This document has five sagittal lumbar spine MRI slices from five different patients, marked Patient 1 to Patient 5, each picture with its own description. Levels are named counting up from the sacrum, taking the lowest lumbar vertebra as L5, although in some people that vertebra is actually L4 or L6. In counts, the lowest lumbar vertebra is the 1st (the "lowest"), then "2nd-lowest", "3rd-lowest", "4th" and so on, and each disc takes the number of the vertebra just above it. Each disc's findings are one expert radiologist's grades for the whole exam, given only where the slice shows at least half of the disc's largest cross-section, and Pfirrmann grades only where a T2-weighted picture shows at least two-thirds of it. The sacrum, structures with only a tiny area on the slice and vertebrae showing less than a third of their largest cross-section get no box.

Patient 1 of 5:
Lumbar spine MR, T2 SPACE (3D), sagittal. 512x640 px.
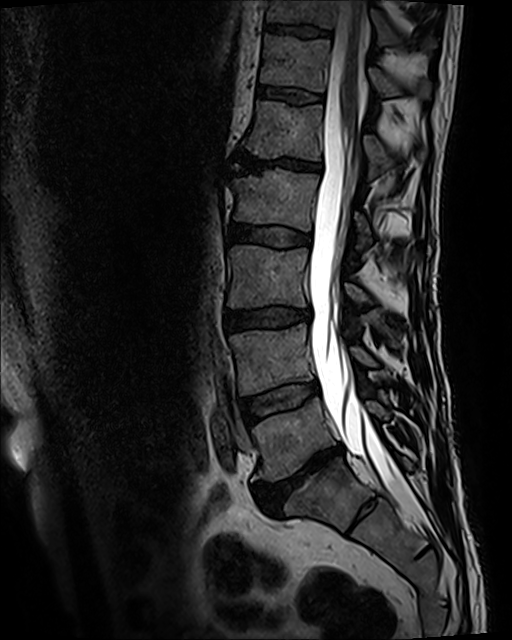
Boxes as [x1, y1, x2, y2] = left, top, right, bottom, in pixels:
7th vertebra: [267, 0, 435, 48].
6th vertebra: [260, 34, 430, 98].
7th disc: [266, 25, 329, 36].
3rd-lowest vertebra: [227, 246, 367, 308].
Thecal sac / spinal canal: [309, 0, 400, 485].
Lowest vertebra: [252, 397, 389, 481].
Lowest disc: [255, 444, 343, 510].
2nd-lowest vertebra: [229, 323, 376, 394].
4th vertebra: [231, 168, 370, 248].
6th disc: [257, 83, 322, 103].
5th disc: [236, 151, 320, 172].
5th vertebra: [243, 101, 426, 178].
4th disc: [229, 223, 312, 247].
2nd-lowest disc: [241, 382, 318, 421].
3rd-lowest disc: [225, 308, 310, 329].

Degenerative findings by level:
• 5th disc: Pfirrmann grade 5, lower-endplate change, disc narrowing, disc bulging, Modic type II, upper-endplate change
• 2nd-lowest disc: Pfirrmann grade 3, Modic type II
• 6th disc: Pfirrmann grade 3
• lowest disc: Pfirrmann grade 5, upper-endplate change, disc narrowing, lower-endplate change, Modic type II, disc bulging
• 4th disc: Pfirrmann grade 3
• 3rd-lowest disc: Pfirrmann grade 3, upper-endplate change, disc bulging, lower-endplate change
• 7th disc: Pfirrmann grade 3, upper-endplate change, lower-endplate change

Patient 2 of 5:
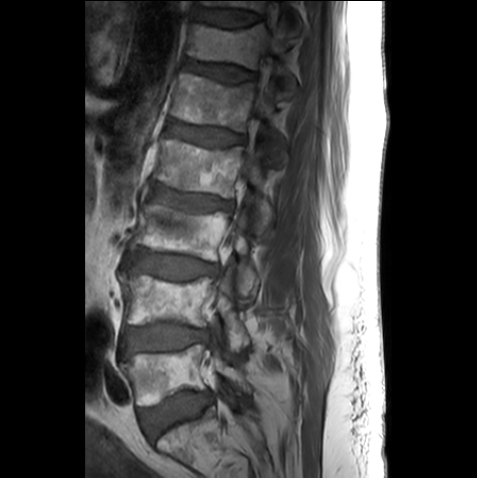 Sagittal T1-weighted lumbar spine MRI; Image 477x478
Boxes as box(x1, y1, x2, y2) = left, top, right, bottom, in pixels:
IVD T12/L1: box(183, 60, 254, 82).
L2/L3: box(150, 184, 232, 211).
Thecal sac / spinal canal: box(245, 89, 264, 178).
IVD L5/S1: box(138, 391, 209, 438).
IVD L3/L4: box(135, 252, 217, 279).
T12: box(187, 23, 296, 98).
L2: box(154, 139, 272, 237).
IVD L4/L5: box(122, 320, 208, 352).
T11 vertebra: box(199, 0, 302, 35).
L5 vertebra: box(120, 344, 252, 405).
IVD L1/L2: box(167, 121, 244, 145).
L1: box(170, 72, 285, 164).
IVD T11/T12: box(196, 8, 260, 27).
L3: box(134, 203, 259, 305).
L4 vertebra: box(119, 272, 250, 351).

Degenerative findings by level:
  T12/L1: upper-endplate change
  L2/L3: upper-endplate change
  L4/L5: lower-endplate change
  L1/L2, T11/T12, L5/S1, L3/L4: no spondylolisthesis, narrowing, bulging, herniation, Modic or endplate change recorded

Patient 3 of 5:
Philips Healthcare Ingenia (3T) | Field of view 284x281 mm | Sagittal slice index 12 | Sagittal T2-weighted lumbar spine MRI | Sex M
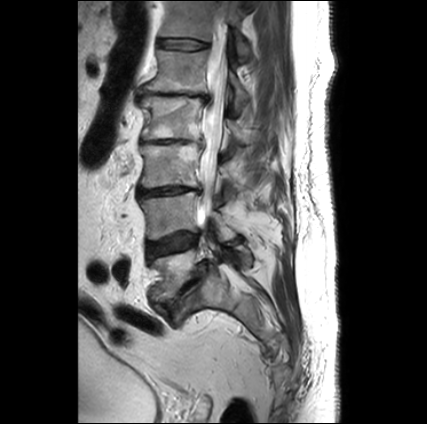 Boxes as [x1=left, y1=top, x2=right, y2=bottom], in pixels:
Segmented structures:
* disc L2/L3 at [x1=143, y1=139, x2=189, y2=142]
* L4/L5 at [x1=148, y1=232, x2=197, y2=258]
* L2 at [x1=137, y1=95, x2=246, y2=143]
* disc L3/L4 at [x1=139, y1=186, x2=201, y2=197]
* L5/S1 at [x1=156, y1=260, x2=209, y2=313]
* L4 vertebra at [x1=140, y1=192, x2=235, y2=240]
* L1/L2 at [x1=141, y1=87, x2=209, y2=101]
* thecal sac / spinal canal at [x1=197, y1=18, x2=227, y2=220]
* T12/L1 at [x1=158, y1=39, x2=206, y2=49]
* L1 vertebra at [x1=148, y1=49, x2=249, y2=107]
* L5 vertebra at [x1=150, y1=237, x2=252, y2=301]
* L3 vertebra at [x1=140, y1=142, x2=237, y2=196]
* T12 vertebra at [x1=160, y1=1, x2=249, y2=55]

Radiological gradings:
  L3/L4: Pfirrmann grade 5, disc bulging, lower-endplate change, Modic type II, upper-endplate change, disc narrowing
  L1/L2: Pfirrmann grade 5, lower-endplate change, disc narrowing, disc bulging, disc herniation, upper-endplate change, Modic type II
  L4/L5: Pfirrmann grade 3, Modic type II
  L5/S1: Pfirrmann grade 5, disc bulging, disc narrowing, upper-endplate change, spondylolisthesis, Modic type II, lower-endplate change
  T12/L1: Pfirrmann grade 2

Patient 4 of 5:
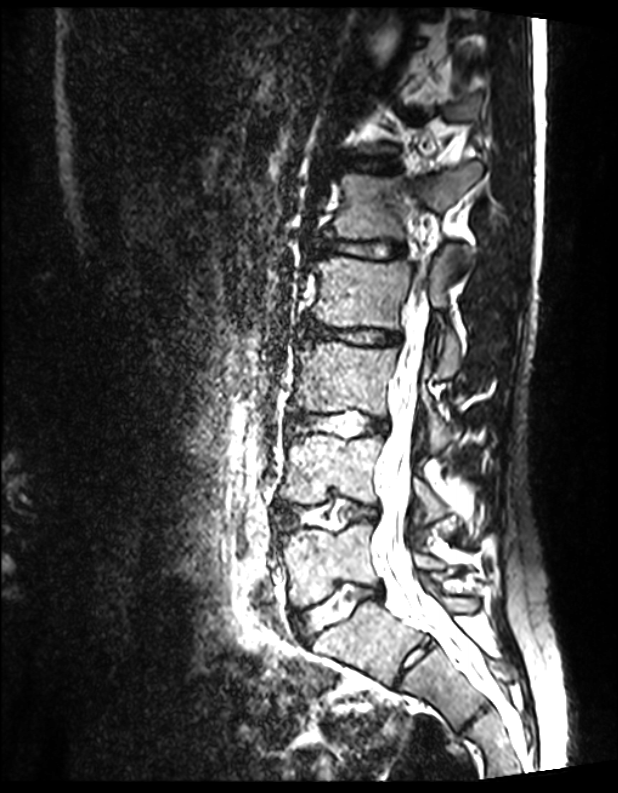
T2 SPACE (3D) sagittal MRI of the lumbar spine; 618x793 px; Slice 62/144; Field of view 240x308 mm, slice spacing 0.9 mm

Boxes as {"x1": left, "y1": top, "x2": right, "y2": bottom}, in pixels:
L1/L2 at {"x1": 312, "y1": 237, "x2": 404, "y2": 258}, L4/L5 at {"x1": 277, "y1": 498, "x2": 376, "y2": 529}, thecal sac / spinal canal at {"x1": 372, "y1": 262, "x2": 484, "y2": 681}, L1 at {"x1": 323, "y1": 163, "x2": 480, "y2": 262}, L3 at {"x1": 290, "y1": 342, "x2": 451, "y2": 451}, L2 vertebra at {"x1": 311, "y1": 256, "x2": 461, "y2": 377}, IVD L5/S1 at {"x1": 293, "y1": 583, "x2": 381, "y2": 642}, L4 at {"x1": 281, "y1": 435, "x2": 472, "y2": 520}, L5 at {"x1": 281, "y1": 521, "x2": 444, "y2": 606}, T12/L1 at {"x1": 340, "y1": 157, "x2": 396, "y2": 172}, IVD L2/L3 at {"x1": 301, "y1": 322, "x2": 399, "y2": 345}, IVD L3/L4 at {"x1": 288, "y1": 411, "x2": 387, "y2": 436}.

Per-level radiological findings:
• L2/L3: Pfirrmann grade 1
• L4/L5: Pfirrmann grade 1
• L3/L4: Pfirrmann grade 1
• L1/L2: Pfirrmann grade 1
• L5/S1: Pfirrmann grade 1
• T12/L1: no herniation, bulging, narrowing, spondylolisthesis, endplate or Modic change recorded

Patient 5 of 5:
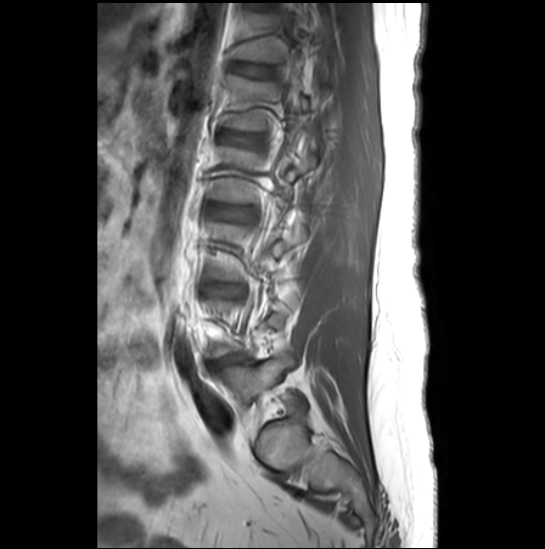 Slice 20/27. Patient sex: F. Sagittal T1-weighted lumbar spine MRI.

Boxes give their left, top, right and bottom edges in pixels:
• disc T12/L1: left=232, top=63, right=274, bottom=76
• T12 vertebra: left=235, top=12, right=320, bottom=63
• L2: left=212, top=146, right=316, bottom=203
• L3/L4: left=202, top=285, right=235, bottom=295
• disc L4/L5: left=209, top=354, right=242, bottom=367
• L1 vertebra: left=225, top=75, right=309, bottom=131
• L1/L2: left=221, top=132, right=253, bottom=145
• L5 vertebra: left=215, top=356, right=292, bottom=408